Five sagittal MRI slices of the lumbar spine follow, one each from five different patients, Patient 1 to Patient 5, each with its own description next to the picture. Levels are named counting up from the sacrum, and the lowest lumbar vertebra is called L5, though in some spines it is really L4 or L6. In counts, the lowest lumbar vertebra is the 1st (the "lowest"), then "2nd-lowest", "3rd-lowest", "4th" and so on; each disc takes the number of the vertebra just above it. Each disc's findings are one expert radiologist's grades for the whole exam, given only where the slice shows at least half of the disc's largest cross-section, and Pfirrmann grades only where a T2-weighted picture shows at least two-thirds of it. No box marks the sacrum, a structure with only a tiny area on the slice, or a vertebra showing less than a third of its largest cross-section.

Patient 1 of 5:
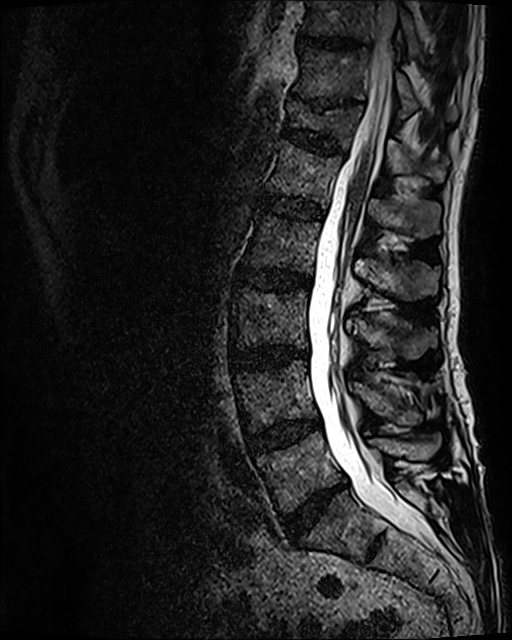 Slice 58 of 120; Patient sex: M; Lumbar spine MR, T2 SPACE (3D), sagittal

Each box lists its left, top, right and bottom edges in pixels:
Structures:
* L1 vertebra — left=265, top=139, right=441, bottom=238
* L5 vertebra — left=256, top=431, right=441, bottom=513
* T11 vertebra — left=293, top=48, right=458, bottom=120
* L3 — left=231, top=287, right=437, bottom=358
* L1/L2 — left=258, top=192, right=322, bottom=218
* T12/L1 — left=282, top=126, right=345, bottom=154
* disc L3/L4 — left=231, top=347, right=307, bottom=370
* L4/L5 — left=246, top=421, right=320, bottom=451
* T11/T12 — left=313, top=98, right=352, bottom=110
* T12 — left=285, top=101, right=449, bottom=183
* L4 vertebra — left=236, top=360, right=422, bottom=432
* disc T10/T11 — left=299, top=36, right=360, bottom=48
* T10 — left=303, top=0, right=420, bottom=56
* L2 vertebra — left=244, top=212, right=440, bottom=300
* spinal canal — left=307, top=0, right=432, bottom=548
* disc L5/S1 — left=282, top=485, right=342, bottom=542
* disc L2/L3 — left=236, top=267, right=310, bottom=290

Expert MSK radiologist gradings (per disc):
  T11/T12: Pfirrmann grade 5, upper-endplate change, lower-endplate change, disc narrowing
  T10/T11: Pfirrmann grade 3
  L2/L3: Pfirrmann grade 3, Modic type II, disc bulging
  L5/S1: Pfirrmann grade 4, disc bulging, disc narrowing
  L1/L2: Pfirrmann grade 3
  L4/L5: Pfirrmann grade 3, Modic type II, disc bulging
  T12/L1: Pfirrmann grade 3, lower-endplate change, upper-endplate change
  L3/L4: Pfirrmann grade 4, disc bulging, disc narrowing, Modic type II

Patient 2 of 5:
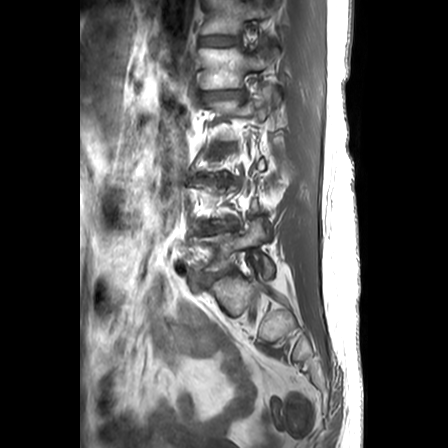

Sagittal T1-weighted lumbar spine MRI | Sagittal slice index 18

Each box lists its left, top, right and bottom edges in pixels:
Segmented structures:
* lowest disc — left=204, top=267, right=236, bottom=284
* 5th disc — left=199, top=90, right=244, bottom=99
* lowest vertebra — left=193, top=218, right=274, bottom=277
* 2nd-lowest disc — left=200, top=221, right=239, bottom=233
* 6th vertebra — left=201, top=0, right=271, bottom=34
* 4th vertebra — left=206, top=86, right=280, bottom=140
* 5th vertebra — left=199, top=42, right=278, bottom=89
* 6th disc — left=199, top=35, right=239, bottom=45

Degenerative findings by level:
• 5th disc: disc bulging
• 2nd-lowest disc: lower-endplate change, disc bulging, Modic type II, disc narrowing, upper-endplate change
• 6th disc: no spondylolisthesis, narrowing, bulging, herniation, Modic or endplate change recorded

Patient 3 of 5:
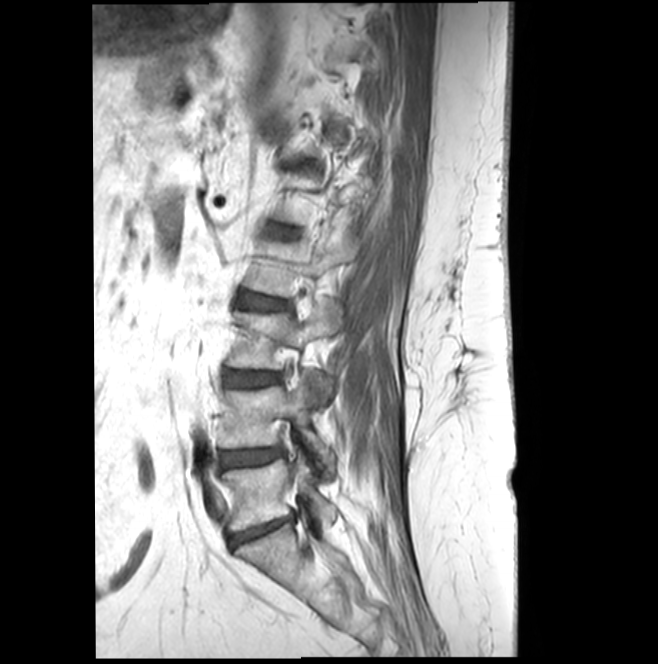
Sagittal T1-weighted lumbar spine MRI. 658x664 px.
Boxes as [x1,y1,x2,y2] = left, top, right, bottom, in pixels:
Intervertebral disc L4/L5 (2nd-lowest disc): [219,447,283,469].
L3 (3rd-lowest vertebra): [227,300,341,399].
L5 (lowest vertebra): [221,455,337,531].
L4 (2nd-lowest vertebra): [219,373,335,472].
L2 (4th vertebra): [243,232,359,296].
L5/S1 (lowest disc): [229,517,291,546].
L2/L3 (4th disc): [238,293,288,310].
L3/L4 (3rd-lowest disc): [223,370,279,385].
Intervertebral disc L1/L2 (5th disc): [268,226,294,237].

Degenerative findings by level:
  L3/L4 (3rd-lowest disc): Modic type II
  L4/L5 (2nd-lowest disc): disc narrowing
  L2/L3 (4th disc): no Modic or endplate change, herniation, narrowing, bulging or spondylolisthesis recorded

Patient 4 of 5:
Field of view 280x281 mm, slice spacing 3.3 mm | MRI lumbar spine (T2-weighted), sagittal plane | Slice 8/25 | 448x449 px 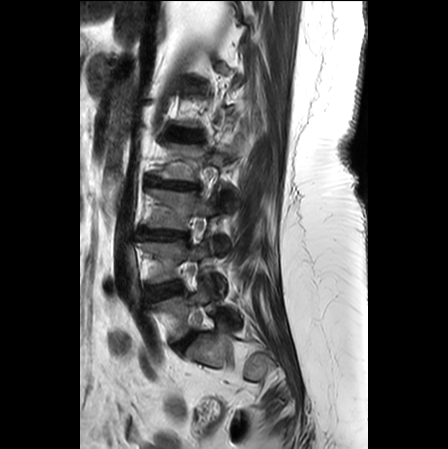
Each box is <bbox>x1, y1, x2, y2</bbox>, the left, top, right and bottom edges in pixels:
L4 vertebra — <bbox>137, 241, 224, 291</bbox> | L4/L5 — <bbox>150, 280, 181, 299</bbox> | L3 vertebra — <bbox>147, 188, 229, 249</bbox> | L2 vertebra — <bbox>153, 143, 238, 208</bbox> | L5/S1 — <bbox>175, 332, 196, 348</bbox> | L5 — <bbox>155, 282, 241, 339</bbox> | IVD L1/L2 — <bbox>174, 131, 201, 140</bbox> | IVD L3/L4 — <bbox>139, 229, 187, 239</bbox> | IVD L2/L3 — <bbox>147, 177, 197, 188</bbox>

Per-level radiological findings:
- L4/L5: upper-endplate change, lower-endplate change, disc bulging, Modic type II
- L2/L3: Pfirrmann grade 5, lower-endplate change, upper-endplate change, Modic type II, disc herniation, disc narrowing
- L3/L4: Pfirrmann grade 4, disc narrowing, upper-endplate change, disc bulging, lower-endplate change

Patient 5 of 5:
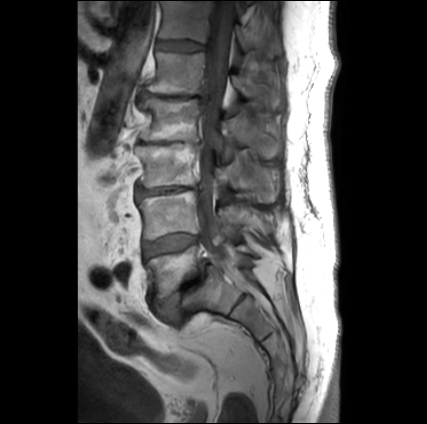 Slice 15/30 | MRI lumbar spine (T1-weighted), sagittal plane | Patient sex: M

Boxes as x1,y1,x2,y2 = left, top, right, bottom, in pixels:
- L4 vertebra: 137,190,269,240
- L3: 135,143,277,202
- L1/L2: 140,91,206,101
- disc L5/S1: 153,261,209,317
- L2 vertebra: 139,96,280,158
- disc T12/L1: 156,41,204,51
- T12 vertebra: 158,1,281,53
- L1: 145,51,280,106
- thecal sac / spinal canal: 197,0,244,283
- disc L3/L4: 136,184,201,196
- disc L4/L5: 143,234,198,258
- L5: 145,245,252,299

Expert MSK radiologist gradings (per disc):
• L5/S1: spondylolisthesis, disc narrowing, lower-endplate change, Modic type II, upper-endplate change, disc bulging
• L1/L2: disc herniation, disc narrowing, upper-endplate change, lower-endplate change, Modic type II, disc bulging
• L4/L5: Modic type II
• L3/L4: lower-endplate change, disc narrowing, disc bulging, Modic type II, upper-endplate change
• T12/L1: no herniation, bulging, narrowing, spondylolisthesis, endplate or Modic change recorded